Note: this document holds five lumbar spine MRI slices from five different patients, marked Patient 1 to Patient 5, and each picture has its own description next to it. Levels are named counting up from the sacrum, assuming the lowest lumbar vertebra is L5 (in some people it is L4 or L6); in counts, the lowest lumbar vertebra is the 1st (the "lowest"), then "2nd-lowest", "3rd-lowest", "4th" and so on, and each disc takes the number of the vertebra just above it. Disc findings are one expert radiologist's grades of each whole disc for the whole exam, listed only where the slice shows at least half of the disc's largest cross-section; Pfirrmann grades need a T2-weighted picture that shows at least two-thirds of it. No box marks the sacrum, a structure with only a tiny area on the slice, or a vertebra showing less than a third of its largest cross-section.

Patient 1 of 5:
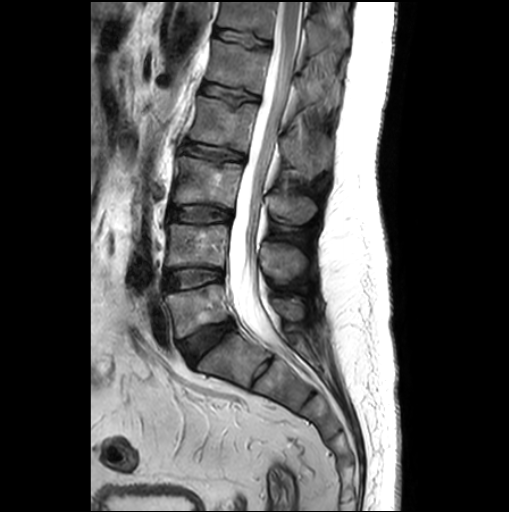 Lumbar spine MR, T2-weighted, sagittal
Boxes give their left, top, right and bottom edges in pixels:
L1 = left=207, top=40, right=340, bottom=111.
L2 vertebra = left=190, top=96, right=332, bottom=174.
L3/L4 = left=168, top=206, right=231, bottom=222.
Intervertebral disc T12/L1 = left=216, top=29, right=268, bottom=45.
L4 = left=166, top=224, right=306, bottom=278.
Spinal canal = left=229, top=2, right=302, bottom=345.
L1/L2 = left=202, top=83, right=258, bottom=105.
Intervertebral disc L5/S1 = left=179, top=319, right=233, bottom=363.
L3 vertebra = left=173, top=156, right=316, bottom=223.
L4/L5 = left=165, top=268, right=223, bottom=289.
Intervertebral disc L2/L3 = left=182, top=143, right=244, bottom=160.
L5 vertebra = left=165, top=284, right=302, bottom=337.
T12 = left=218, top=2, right=349, bottom=52.

Degenerative findings by level:
- L4/L5: Pfirrmann grade 1
- T12/L1: Pfirrmann grade 1
- L3/L4: Pfirrmann grade 1
- L2/L3: Pfirrmann grade 1, lower-endplate change, disc bulging, upper-endplate change
- L1/L2: Pfirrmann grade 1, upper-endplate change, lower-endplate change
- L5/S1: Pfirrmann grade 3, disc bulging

Patient 2 of 5:
MRI lumbar spine (T1-weighted), sagittal plane. Slice 22/25. Sex F. 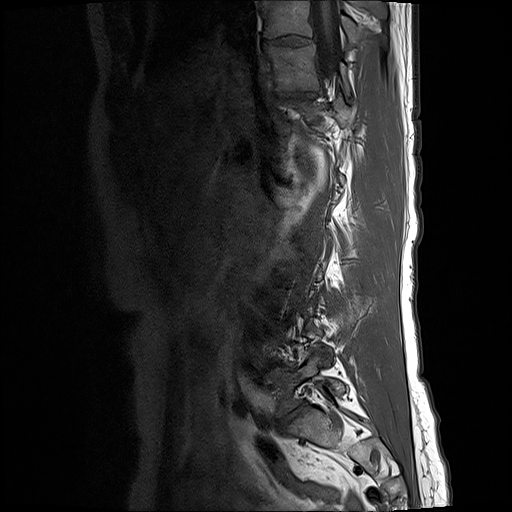 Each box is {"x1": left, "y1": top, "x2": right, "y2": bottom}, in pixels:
Segmented structures:
* L5 vertebra = {"x1": 270, "y1": 345, "x2": 345, "y2": 415}
* T10 = {"x1": 263, "y1": 0, "x2": 356, "y2": 43}
* IVD T10/T11 = {"x1": 263, "y1": 35, "x2": 311, "y2": 47}
* IVD L5/S1 = {"x1": 278, "y1": 403, "x2": 305, "y2": 427}
* T11 = {"x1": 267, "y1": 47, "x2": 347, "y2": 92}
* IVD T11/T12 = {"x1": 278, "y1": 92, "x2": 316, "y2": 102}
* thecal sac / spinal canal = {"x1": 313, "y1": 1, "x2": 340, "y2": 79}

Radiological gradings:
• T10/T11: disc narrowing, disc bulging
• T11/T12: disc bulging, disc narrowing

Patient 3 of 5:
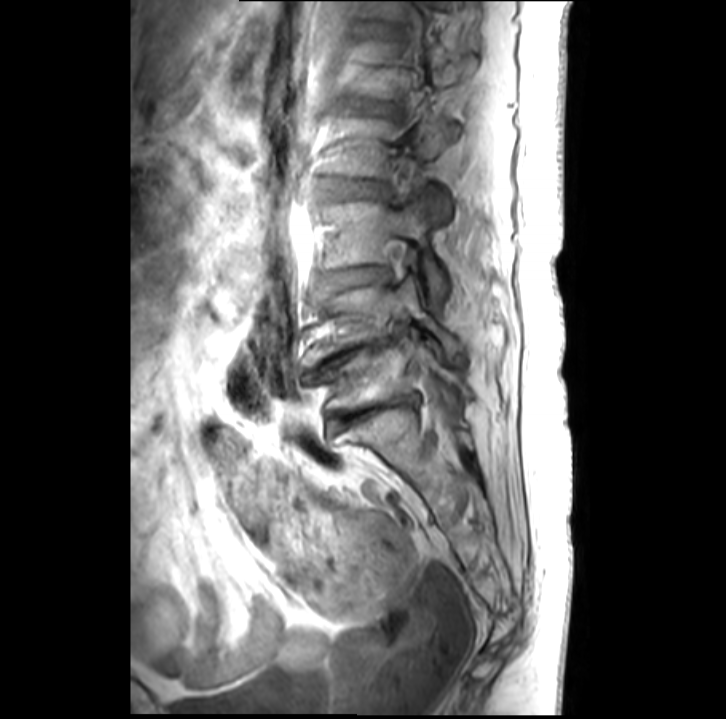 Sex F | Lumbar spine MR, T1-weighted, sagittal | Sagittal slice index 11 | Field of view 285x282 mm, slice spacing 3.4 mm
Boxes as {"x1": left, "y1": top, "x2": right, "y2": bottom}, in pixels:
Structures:
- 2nd-lowest disc: {"x1": 322, "y1": 337, "x2": 395, "y2": 369}
- 3rd-lowest vertebra: {"x1": 322, "y1": 194, "x2": 447, "y2": 303}
- 4th disc: {"x1": 327, "y1": 178, "x2": 381, "y2": 197}
- 5th disc: {"x1": 368, "y1": 105, "x2": 389, "y2": 113}
- 4th vertebra: {"x1": 332, "y1": 116, "x2": 458, "y2": 217}
- lowest vertebra: {"x1": 327, "y1": 337, "x2": 470, "y2": 409}
- lowest disc: {"x1": 332, "y1": 395, "x2": 416, "y2": 421}
- 3rd-lowest disc: {"x1": 325, "y1": 266, "x2": 382, "y2": 286}
- 2nd-lowest vertebra: {"x1": 304, "y1": 277, "x2": 462, "y2": 363}

Degenerative findings by level:
• 3rd-lowest disc: disc narrowing, Modic type II
• lowest disc: disc narrowing, Modic type II
• 4th disc: no Modic or endplate change, herniation, narrowing, bulging or spondylolisthesis recorded

Patient 4 of 5:
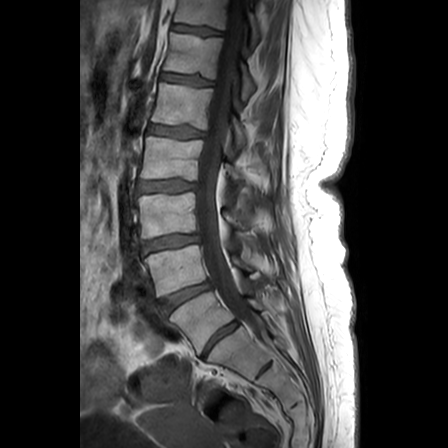 Patient sex: F; Sagittal T1-weighted lumbar spine MRI
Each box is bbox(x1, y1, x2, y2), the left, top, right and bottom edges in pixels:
{"3rd-lowest vertebra": "bbox(138, 193, 273, 238)", "5th vertebra": "bbox(152, 83, 246, 146)", "7th disc": "bbox(172, 24, 222, 36)", "7th vertebra": "bbox(174, 0, 260, 50)", "6th vertebra": "bbox(164, 32, 254, 99)", "3rd-lowest disc": "bbox(141, 235, 199, 251)", "4th vertebra": "bbox(140, 137, 243, 180)", "4th disc": "bbox(140, 180, 196, 192)", "2nd-lowest disc": "bbox(161, 282, 210, 313)", "6th disc": "bbox(162, 73, 213, 85)", "spinal canal": "bbox(196, 0, 258, 331)", "lowest disc": "bbox(203, 321, 238, 357)", "lowest vertebra": "bbox(170, 292, 265, 353)", "5th disc": "bbox(149, 125, 204, 138)", "2nd-lowest vertebra": "bbox(145, 245, 253, 296)"}

Degenerative findings by level:
• 5th disc: disc bulging, upper-endplate change, lower-endplate change
• 7th disc: lower-endplate change, upper-endplate change
• 2nd-lowest disc: disc narrowing, disc bulging
• 6th disc: upper-endplate change, lower-endplate change
• 3rd-lowest disc: upper-endplate change, lower-endplate change, disc bulging
• 4th disc: disc bulging, upper-endplate change, lower-endplate change
• lowest disc: no Modic or endplate change, herniation, narrowing, bulging or spondylolisthesis recorded

Patient 5 of 5:
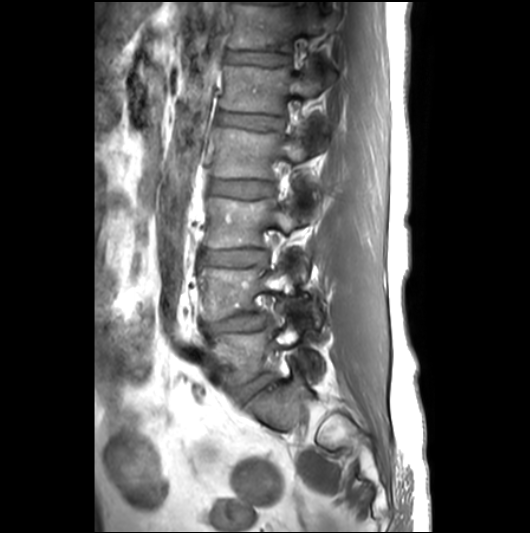
Lumbar spine MR, T1-weighted, sagittal | Image 530x533
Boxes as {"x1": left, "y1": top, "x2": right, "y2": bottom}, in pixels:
L1 vertebra at {"x1": 220, "y1": 59, "x2": 333, "y2": 114}, intervertebral disc L4/L5 at {"x1": 203, "y1": 312, "x2": 271, "y2": 335}, intervertebral disc T12/L1 at {"x1": 225, "y1": 50, "x2": 289, "y2": 65}, L2 at {"x1": 210, "y1": 126, "x2": 320, "y2": 201}, L1/L2 at {"x1": 217, "y1": 112, "x2": 283, "y2": 131}, L5 at {"x1": 208, "y1": 323, "x2": 322, "y2": 384}, L3/L4 at {"x1": 200, "y1": 249, "x2": 266, "y2": 266}, T12 at {"x1": 229, "y1": 1, "x2": 322, "y2": 51}, intervertebral disc L5/S1 at {"x1": 234, "y1": 373, "x2": 273, "y2": 403}, L3 vertebra at {"x1": 204, "y1": 198, "x2": 307, "y2": 275}, L4 at {"x1": 199, "y1": 265, "x2": 323, "y2": 326}, L2/L3 at {"x1": 209, "y1": 180, "x2": 272, "y2": 198}.

Per-level radiological findings:
- T12/L1: lower-endplate change
- L4/L5: disc herniation, disc narrowing, disc bulging, Modic type II
- L3/L4: disc bulging, upper-endplate change
- L2/L3, L1/L2: no Modic or endplate change, herniation, narrowing, bulging or spondylolisthesis recorded